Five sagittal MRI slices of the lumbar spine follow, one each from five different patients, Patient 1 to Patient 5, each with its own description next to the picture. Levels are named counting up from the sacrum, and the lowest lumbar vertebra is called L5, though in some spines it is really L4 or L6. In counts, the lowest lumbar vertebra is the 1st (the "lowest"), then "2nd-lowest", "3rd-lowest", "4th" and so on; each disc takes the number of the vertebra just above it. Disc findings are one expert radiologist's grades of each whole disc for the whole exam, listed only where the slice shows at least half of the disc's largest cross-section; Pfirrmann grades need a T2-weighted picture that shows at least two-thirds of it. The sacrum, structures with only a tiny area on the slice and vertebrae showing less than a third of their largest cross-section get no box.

Patient 1 of 5:
Patient sex: F | 343x349 px | Lumbar spine MR, T1-weighted, sagittal

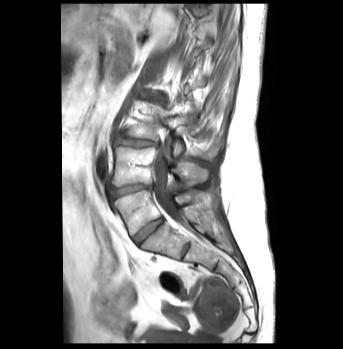
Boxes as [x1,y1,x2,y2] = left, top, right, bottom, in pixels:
spinal canal: [153,143,187,228] | lowest disc: [133,218,163,244] | 3rd-lowest disc: [115,135,158,147] | 4th disc: [147,96,165,105] | 2nd-lowest vertebra: [112,146,208,186] | 2nd-lowest disc: [110,183,150,200] | lowest vertebra: [114,190,210,235] | 3rd-lowest vertebra: [124,105,219,158]

Degenerative findings by level:
- 2nd-lowest disc: disc narrowing, lower-endplate change, disc bulging, Modic type II
- 3rd-lowest disc: disc bulging, Modic type II
- lowest disc: no Modic or endplate change, herniation, narrowing, bulging or spondylolisthesis recorded

Patient 2 of 5:
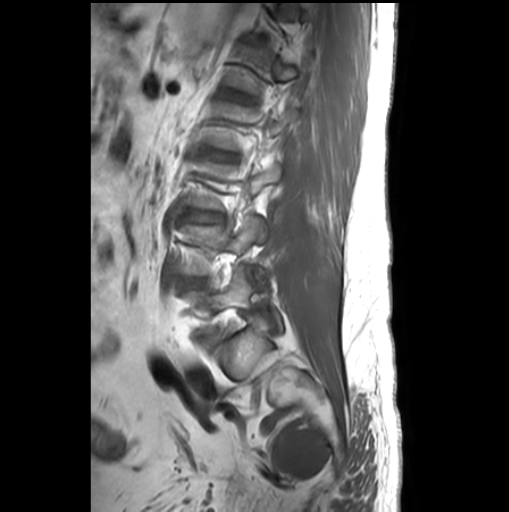 MRI lumbar spine (T1-weighted), sagittal plane, 509x512 px
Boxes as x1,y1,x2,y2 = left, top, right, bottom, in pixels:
L3/L4 at 188,212,219,221; disc L1/L2 at 231,91,250,100; L4 at 181,217,265,282; disc L4/L5 at 182,278,206,287; L5 at 185,266,281,335.

Patient 3 of 5:
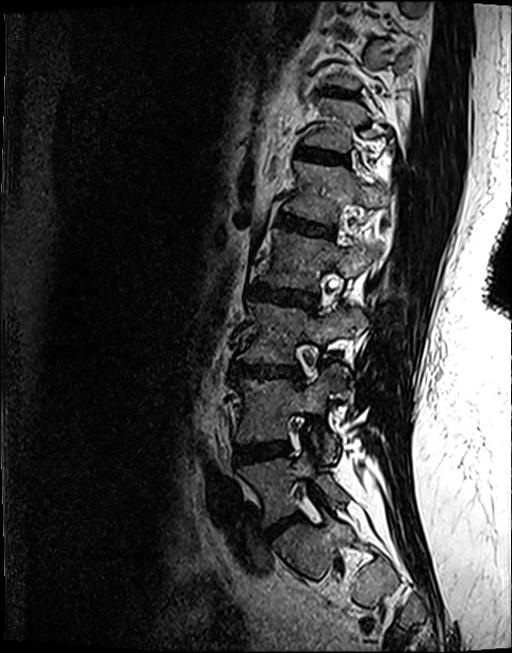 T2 SPACE (3D) sagittal MRI of the lumbar spine

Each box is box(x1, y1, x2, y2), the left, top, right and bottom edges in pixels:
5th disc — box(280, 214, 331, 235).
5th vertebra — box(285, 160, 387, 222).
Lowest disc — box(267, 515, 298, 537).
2nd-lowest disc — box(235, 442, 287, 463).
4th disc — box(251, 283, 315, 310).
6th disc — box(299, 147, 346, 161).
7th disc — box(335, 89, 351, 96).
2nd-lowest vertebra — box(237, 368, 346, 461).
3rd-lowest disc — box(233, 364, 300, 378).
Lowest vertebra — box(238, 447, 347, 524).
4th vertebra — box(262, 228, 378, 290).
3rd-lowest vertebra — box(238, 301, 366, 363).

Degenerative findings by level:
• 6th disc: lower-endplate change, upper-endplate change
• 2nd-lowest disc: lower-endplate change, Modic type II, disc bulging
• 3rd-lowest disc: Pfirrmann grade 4, disc bulging, lower-endplate change, Modic type II, disc narrowing, upper-endplate change
• 5th disc: upper-endplate change, Modic type II, lower-endplate change
• 4th disc: Pfirrmann grade 4, lower-endplate change, upper-endplate change, disc bulging

Patient 4 of 5:
Sagittal slice index 6. Sex F. Lumbar spine MR, T1-weighted, sagittal.
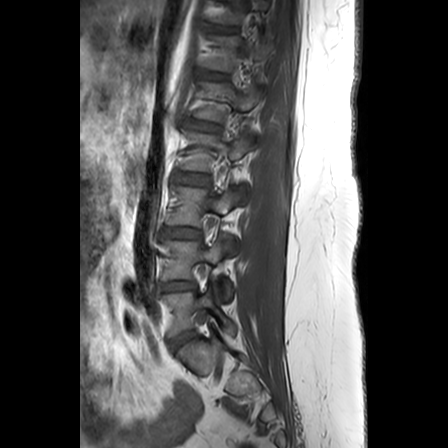
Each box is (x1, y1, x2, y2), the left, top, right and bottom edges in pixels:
Annotations:
• T11/T12 (7th disc) — (211, 26, 237, 33)
• L4 (2nd-lowest vertebra) — (162, 235, 232, 299)
• L5/S1 (lowest disc) — (170, 331, 194, 348)
• L1 (5th vertebra) — (194, 82, 263, 121)
• T11 (7th vertebra) — (213, 0, 269, 24)
• L5 (lowest vertebra) — (162, 280, 234, 333)
• T12/L1 (6th disc) — (201, 71, 227, 79)
• T12 (6th vertebra) — (203, 36, 269, 71)
• L3 (3rd-lowest vertebra) — (167, 186, 240, 253)
• L4/L5 (2nd-lowest disc) — (158, 280, 194, 290)
• L2 (4th vertebra) — (181, 131, 250, 206)
• IVD L1/L2 (5th disc) — (189, 119, 220, 131)
• L2/L3 (4th disc) — (175, 172, 208, 184)
• IVD L3/L4 (3rd-lowest disc) — (163, 227, 200, 237)

Radiological gradings:
• L3/L4 (3rd-lowest disc): upper-endplate change
• L1/L2 (5th disc): Modic type II, disc bulging, upper-endplate change
• L4/L5 (2nd-lowest disc): disc narrowing
• T12/L1 (6th disc), T11/T12 (7th disc), L2/L3 (4th disc): no Modic or endplate change, herniation, narrowing, bulging or spondylolisthesis recorded

Patient 5 of 5:
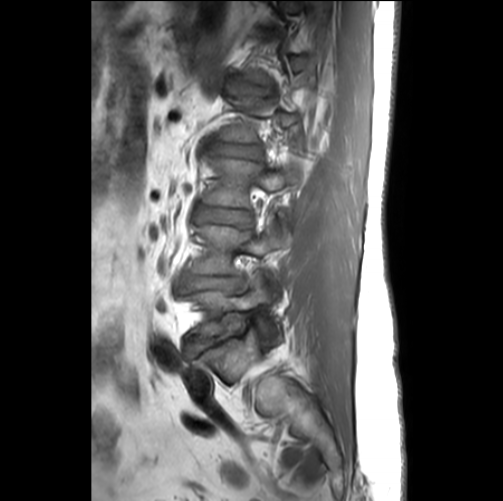 Slice 20/26 | T1-weighted sagittal MRI of the lumbar spine

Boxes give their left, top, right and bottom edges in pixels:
Annotations:
• 2nd-lowest disc: left=184, top=275, right=242, bottom=294
• 3rd-lowest vertebra: left=204, top=157, right=297, bottom=207
• 3rd-lowest disc: left=200, top=207, right=252, bottom=224
• lowest disc: left=187, top=333, right=234, bottom=358
• 4th disc: left=211, top=142, right=261, bottom=157
• 2nd-lowest vertebra: left=194, top=226, right=293, bottom=273
• lowest vertebra: left=190, top=272, right=284, bottom=344

Expert MSK radiologist gradings (per disc):
• 2nd-lowest disc: lower-endplate change, disc narrowing, upper-endplate change, disc bulging, Modic type II
• 4th disc, 3rd-lowest disc: no Modic or endplate change, herniation, narrowing, bulging or spondylolisthesis recorded